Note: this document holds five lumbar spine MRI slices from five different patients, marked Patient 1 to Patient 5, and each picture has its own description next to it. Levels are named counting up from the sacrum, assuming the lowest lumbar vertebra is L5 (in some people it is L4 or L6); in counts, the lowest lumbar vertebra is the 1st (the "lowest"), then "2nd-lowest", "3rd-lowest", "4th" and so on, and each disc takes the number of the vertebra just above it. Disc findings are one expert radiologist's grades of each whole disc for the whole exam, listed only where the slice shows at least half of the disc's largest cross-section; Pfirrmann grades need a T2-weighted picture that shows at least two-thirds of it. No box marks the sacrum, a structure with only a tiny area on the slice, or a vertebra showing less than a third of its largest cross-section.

Patient 1 of 5:
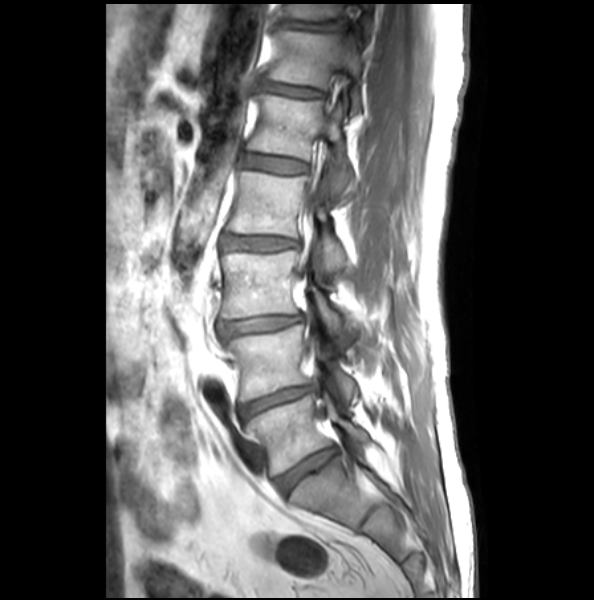

Slice spacing 3.3 mm. T1-weighted sagittal MRI of the lumbar spine. Sex M. Sagittal slice index 17. 594x600 px.
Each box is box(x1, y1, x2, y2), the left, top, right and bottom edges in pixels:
L1 (5th vertebra): box(248, 93, 353, 195)
L5 (lowest vertebra): box(245, 394, 370, 476)
T12/L1 (6th disc): box(260, 82, 324, 98)
IVD L1/L2 (5th disc): box(244, 155, 308, 174)
T11/T12 (7th disc): box(280, 20, 344, 30)
L5/S1 (lowest disc): box(276, 446, 338, 496)
L2 (4th vertebra): box(228, 171, 346, 273)
L4/L5 (2nd-lowest disc): box(239, 384, 316, 420)
L2/L3 (4th disc): box(221, 235, 299, 251)
L3/L4 (3rd-lowest disc): box(219, 314, 303, 337)
T12 (6th vertebra): box(266, 31, 361, 111)
T11 (7th vertebra): box(284, 5, 372, 30)
L3 (3rd-lowest vertebra): box(221, 250, 350, 346)
L4 (2nd-lowest vertebra): box(224, 309, 358, 403)

Per-level radiological findings:
• T12/L1 (6th disc): disc bulging, upper-endplate change
• L5/S1 (lowest disc): upper-endplate change, lower-endplate change
• L4/L5 (2nd-lowest disc): lower-endplate change, disc narrowing, disc bulging
• L3/L4 (3rd-lowest disc): disc narrowing, disc bulging
• L1/L2 (5th disc): upper-endplate change
• L2/L3 (4th disc): disc bulging, disc narrowing
• T11/T12 (7th disc): lower-endplate change, disc bulging, upper-endplate change

Patient 2 of 5:
Lumbar spine MR, T2-weighted, sagittal. Sex M. Image 384x389. Sagittal slice index 5.

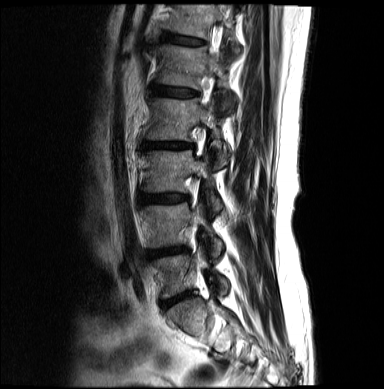

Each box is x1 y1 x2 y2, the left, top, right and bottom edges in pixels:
{"L5": "154 246 228 297", "L2/L3": "144 141 192 149", "IVD L5/S1": "161 292 190 307", "IVD L3/L4": "139 193 187 204", "T12": "162 4 240 56", "L2 vertebra": "146 98 228 168", "L4/L5": "148 247 184 257", "T12/L1": "161 32 204 44", "L3 vertebra": "141 150 222 213", "L4 vertebra": "144 203 222 257", "L1 vertebra": "152 45 234 109", "L1/L2": "152 84 197 97"}

Degenerative findings by level:
  L2/L3: Pfirrmann grade 4, Modic type II, disc bulging, lower-endplate change, disc narrowing, upper-endplate change
  T12/L1: Pfirrmann grade 3
  L1/L2: Pfirrmann grade 3, upper-endplate change, lower-endplate change
  L3/L4: Pfirrmann grade 4, disc bulging

Patient 3 of 5:
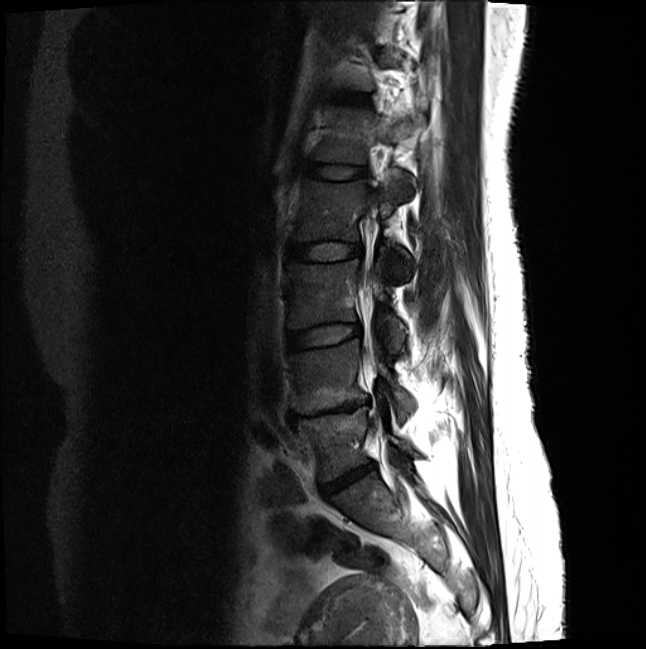
Slice 7/20. T2-weighted sagittal MRI of the lumbar spine. Patient sex: F.
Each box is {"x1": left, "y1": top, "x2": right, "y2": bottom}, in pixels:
Segmented structures:
* lowest vertebra — {"x1": 295, "y1": 406, "x2": 415, "y2": 480}
* 2nd-lowest vertebra — {"x1": 290, "y1": 340, "x2": 414, "y2": 417}
* 2nd-lowest disc — {"x1": 289, "y1": 401, "x2": 369, "y2": 421}
* 3rd-lowest vertebra — {"x1": 288, "y1": 259, "x2": 406, "y2": 352}
* lowest disc — {"x1": 320, "y1": 463, "x2": 375, "y2": 496}
* 5th vertebra — {"x1": 313, "y1": 106, "x2": 423, "y2": 162}
* 5th disc — {"x1": 300, "y1": 162, "x2": 366, "y2": 179}
* 3rd-lowest disc — {"x1": 288, "y1": 323, "x2": 360, "y2": 350}
* 4th vertebra — {"x1": 293, "y1": 171, "x2": 409, "y2": 273}
* 4th disc — {"x1": 286, "y1": 242, "x2": 361, "y2": 259}
* 6th disc — {"x1": 335, "y1": 93, "x2": 366, "y2": 101}

Expert MSK radiologist gradings (per disc):
  5th disc: Pfirrmann grade 2
  2nd-lowest disc: disc narrowing, Modic type II, disc bulging, upper-endplate change, lower-endplate change
  4th disc: Pfirrmann grade 2
  3rd-lowest disc: Pfirrmann grade 2

Patient 4 of 5:
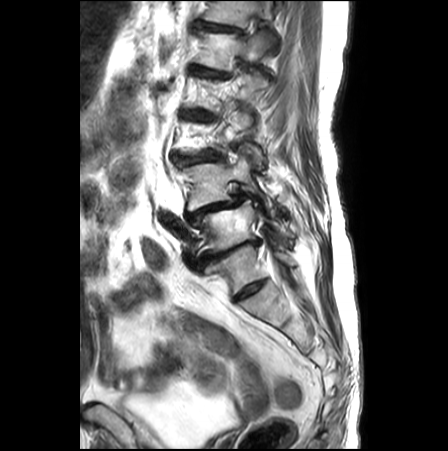
Sagittal T2-weighted lumbar spine MRI. Slice 19 of 26.

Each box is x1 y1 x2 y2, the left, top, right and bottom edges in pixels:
Annotations:
• L4/L5 (2nd-lowest disc): 187 194 245 221
• L1 (5th vertebra): 196 29 275 70
• spinal canal: 273 263 283 276
• L4 (2nd-lowest vertebra): 183 157 276 216
• L5 (lowest vertebra): 199 200 287 252
• disc L2/L3 (4th disc): 185 111 211 120
• T12 (6th vertebra): 203 1 272 27
• L1/L2 (5th disc): 190 66 229 78
• L5/S1 (lowest disc): 197 239 260 267
• T12/L1 (6th disc): 197 21 242 32
• disc L3/L4 (3rd-lowest disc): 177 156 217 164

Per-level radiological findings:
- L5/S1 (lowest disc): Pfirrmann grade 5, Modic type II, disc bulging, disc narrowing, upper-endplate change, disc herniation, lower-endplate change
- T12/L1 (6th disc): lower-endplate change, upper-endplate change, disc bulging
- L1/L2 (5th disc): Pfirrmann grade 5, lower-endplate change, disc narrowing, disc bulging
- L4/L5 (2nd-lowest disc): Pfirrmann grade 5, disc narrowing, disc herniation, disc bulging, Modic type II, upper-endplate change, lower-endplate change, spondylolisthesis

Patient 5 of 5:
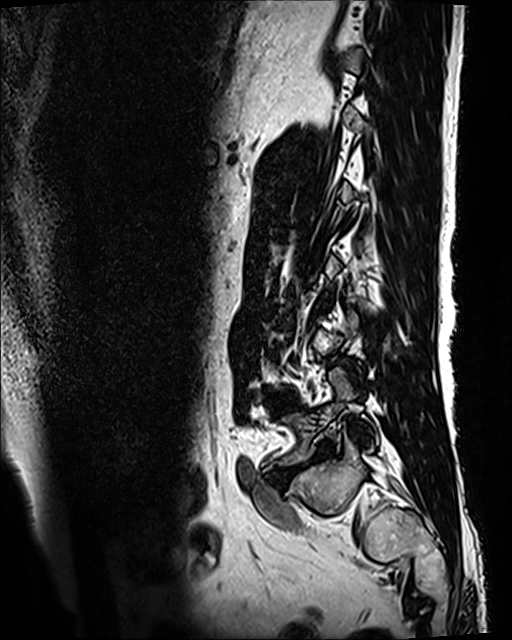
MRI lumbar spine (T2 SPACE (3D)), sagittal plane; 512x640 px

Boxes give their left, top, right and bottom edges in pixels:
{"disc L5/S1": "left=291, top=445, right=333, bottom=471", "L5 vertebra": "left=281, top=367, right=374, bottom=465", "L4/L5": "left=271, top=396, right=296, bottom=408"}